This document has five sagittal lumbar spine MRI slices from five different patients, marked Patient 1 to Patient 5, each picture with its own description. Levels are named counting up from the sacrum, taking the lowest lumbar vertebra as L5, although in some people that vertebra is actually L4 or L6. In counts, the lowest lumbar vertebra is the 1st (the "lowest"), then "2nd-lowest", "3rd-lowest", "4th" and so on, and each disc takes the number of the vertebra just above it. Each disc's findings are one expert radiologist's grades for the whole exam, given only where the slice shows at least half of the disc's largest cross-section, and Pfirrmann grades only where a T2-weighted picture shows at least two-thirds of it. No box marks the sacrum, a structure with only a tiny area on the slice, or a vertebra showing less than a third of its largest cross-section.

Patient 1 of 5:
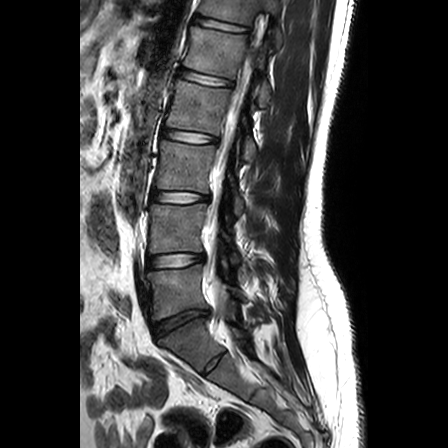 Slice 15 of 24, Sagittal T2-weighted lumbar spine MRI, Patient sex: M

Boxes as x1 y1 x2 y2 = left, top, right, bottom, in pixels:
6th disc at 194 16 249 32 | lowest vertebra at 147 264 247 320 | 5th vertebra at 184 26 270 107 | 4th vertebra at 166 80 255 159 | 5th disc at 177 69 232 86 | thecal sac / spinal canal at 205 39 259 293 | 6th vertebra at 199 0 283 47 | 3rd-lowest disc at 151 190 208 202 | lowest disc at 152 310 210 337 | 2nd-lowest disc at 147 254 204 268 | 3rd-lowest vertebra at 155 140 242 214 | 4th disc at 161 128 217 142 | 2nd-lowest vertebra at 150 204 239 262

Degenerative findings by level:
- 4th disc: Pfirrmann grade 1
- 2nd-lowest disc: Pfirrmann grade 1
- 5th disc: Pfirrmann grade 1
- 6th disc: Pfirrmann grade 1
- lowest disc: Pfirrmann grade 3, disc herniation, Modic type II, upper-endplate change, lower-endplate change
- 3rd-lowest disc: Pfirrmann grade 1

Patient 2 of 5:
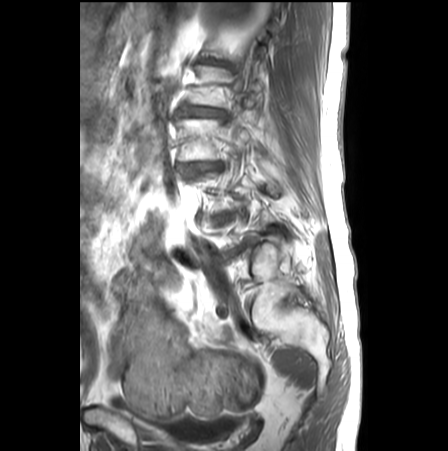
Image 448x451 | Lumbar spine MR, T1-weighted, sagittal

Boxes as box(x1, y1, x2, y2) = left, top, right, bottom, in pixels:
Annotations:
* L3 (3rd-lowest vertebra): box(176, 119, 250, 161)
* IVD L3/L4 (3rd-lowest disc): box(181, 163, 222, 175)
* L1/L2 (5th disc): box(200, 58, 232, 67)
* IVD L2/L3 (4th disc): box(180, 105, 226, 118)
* L5/S1 (lowest disc): box(223, 246, 244, 258)
* L4/L5 (2nd-lowest disc): box(217, 211, 232, 223)

Per-level radiological findings:
- L1/L2 (5th disc): disc bulging, lower-endplate change, disc narrowing
- L2/L3 (4th disc): upper-endplate change, spondylolisthesis, lower-endplate change, Modic type II, disc bulging, disc narrowing
- L3/L4 (3rd-lowest disc): disc bulging, upper-endplate change, disc narrowing, Modic type II, lower-endplate change, spondylolisthesis

Patient 3 of 5:
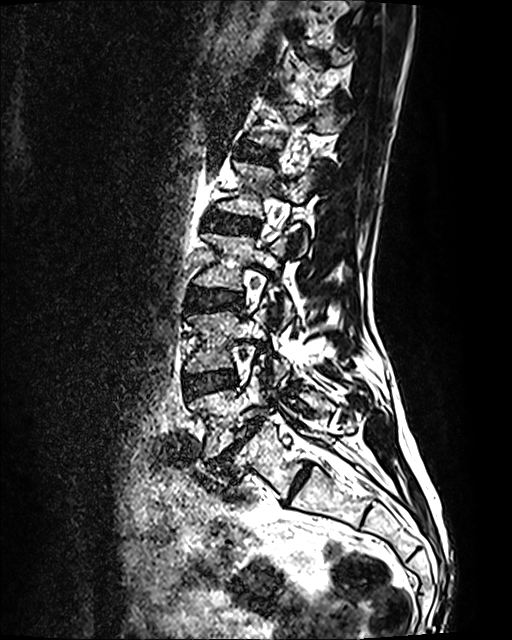 Lumbar spine MR, T2 SPACE (3D), sagittal; Slice 77 of 120
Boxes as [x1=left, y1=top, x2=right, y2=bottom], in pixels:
{"IVD L2/L3": "[x1=206, y1=212, x2=258, y2=232]", "L2 vertebra": "[x1=217, y1=162, x2=318, y2=255]", "L5 vertebra": "[x1=189, y1=365, x2=334, y2=459]", "IVD L5/S1": "[x1=208, y1=417, x2=263, y2=472]", "IVD L1/L2": "[x1=250, y1=147, x2=273, y2=162]", "L3 vertebra": "[x1=194, y1=233, x2=291, y2=325]", "IVD L3/L4": "[x1=187, y1=288, x2=241, y2=310]", "L4": "[x1=185, y1=307, x2=290, y2=385]", "L1": "[x1=252, y1=98, x2=348, y2=147]", "L4/L5": "[x1=184, y1=371, x2=236, y2=397]"}

Per-level radiological findings:
• L2/L3: Pfirrmann grade 2
• L5/S1: Pfirrmann grade 5, disc bulging, disc narrowing, spondylolisthesis, Modic type II
• L3/L4: Pfirrmann grade 2
• L4/L5: no herniation, bulging, narrowing, spondylolisthesis, endplate or Modic change recorded

Patient 4 of 5:
MRI lumbar spine (T1-weighted), sagittal plane | Patient sex: F

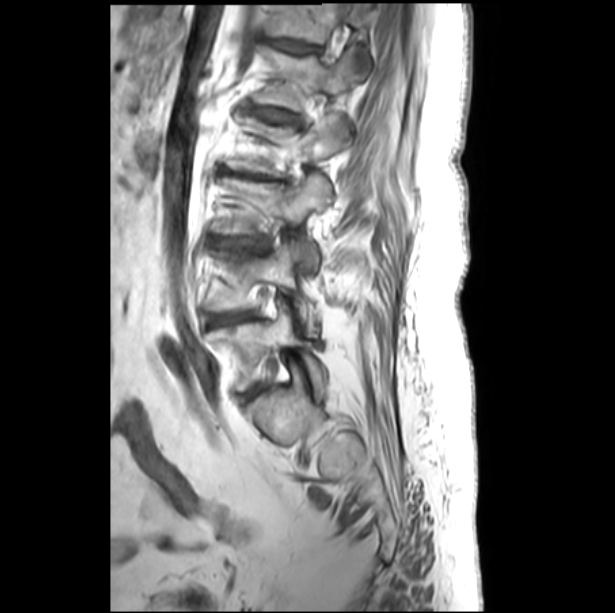
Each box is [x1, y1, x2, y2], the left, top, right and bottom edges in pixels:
L5 at [208, 302, 325, 398], L2/L3 at [218, 164, 288, 183], T12 at [268, 3, 372, 79], L3 vertebra at [212, 174, 331, 235], IVD T12/L1 at [272, 38, 319, 52], L4/L5 at [211, 311, 252, 325], L2 vertebra at [228, 117, 349, 176], IVD L1/L2 at [256, 109, 295, 121], L4 vertebra at [211, 242, 319, 335], L3/L4 at [211, 236, 264, 246], L1 vertebra at [256, 47, 360, 109].

Expert MSK radiologist gradings (per disc):
  T12/L1: Modic type II, disc bulging, upper-endplate change, lower-endplate change
  L1/L2: upper-endplate change, Modic type II, lower-endplate change, disc bulging

Patient 5 of 5:
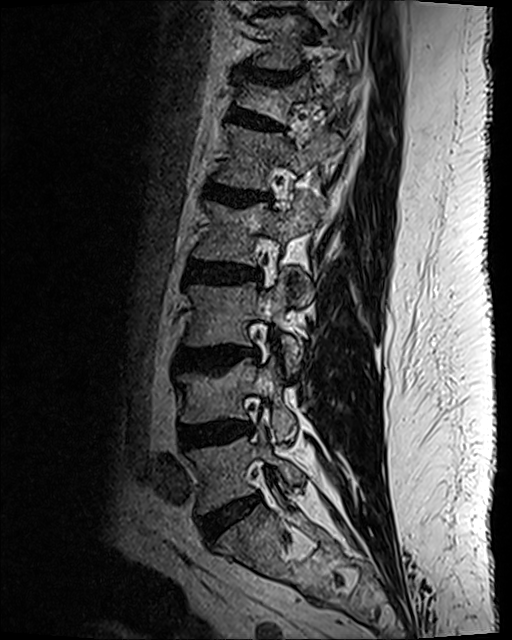

Sagittal slice index 37. Sagittal T2 SPACE (3D) lumbar spine MRI.
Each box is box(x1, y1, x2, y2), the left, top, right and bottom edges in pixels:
- 7th vertebra = box(255, 18, 348, 69)
- 3rd-lowest disc = box(178, 348, 258, 369)
- 4th vertebra = box(194, 198, 317, 265)
- 4th disc = box(186, 261, 261, 284)
- 6th vertebra = box(238, 75, 338, 122)
- 6th disc = box(233, 110, 281, 130)
- 5th vertebra = box(218, 125, 339, 189)
- 5th disc = box(206, 183, 260, 206)
- 8th disc = box(263, 11, 282, 16)
- 3rd-lowest vertebra = box(185, 273, 312, 372)
- 7th disc = box(238, 68, 304, 83)
- 2nd-lowest disc = box(180, 423, 246, 447)
- lowest vertebra = box(190, 433, 304, 512)
- lowest disc = box(201, 497, 257, 537)
- 2nd-lowest vertebra = box(178, 358, 296, 441)

Degenerative findings by level:
  5th disc: Modic type II, upper-endplate change, disc bulging, disc narrowing, lower-endplate change
  4th disc: Pfirrmann grade 3, disc bulging, lower-endplate change
  lowest disc: disc bulging
  2nd-lowest disc: Pfirrmann grade 3, disc bulging, disc narrowing
  3rd-lowest disc: Pfirrmann grade 3, Modic type II, disc bulging, lower-endplate change, upper-endplate change
  7th disc: disc narrowing, disc bulging, upper-endplate change, lower-endplate change